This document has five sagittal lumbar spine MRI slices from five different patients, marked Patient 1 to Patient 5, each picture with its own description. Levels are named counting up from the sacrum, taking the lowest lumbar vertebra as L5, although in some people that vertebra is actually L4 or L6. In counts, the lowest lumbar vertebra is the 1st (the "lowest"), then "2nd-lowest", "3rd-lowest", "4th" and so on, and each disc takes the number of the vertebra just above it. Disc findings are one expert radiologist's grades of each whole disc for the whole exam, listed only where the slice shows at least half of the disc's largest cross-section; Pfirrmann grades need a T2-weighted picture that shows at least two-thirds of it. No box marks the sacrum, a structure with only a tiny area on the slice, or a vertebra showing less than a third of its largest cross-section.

Patient 1 of 5:
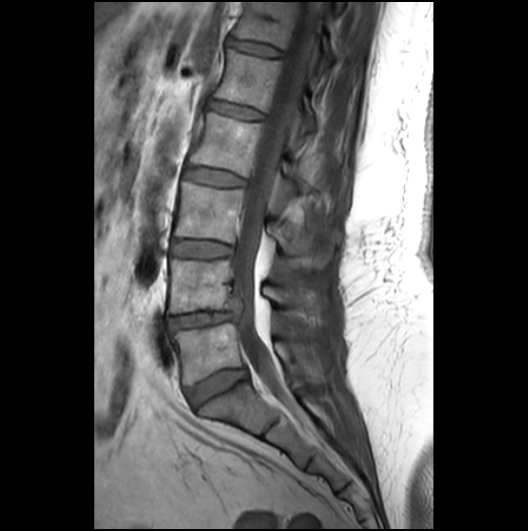 MRI lumbar spine (T1-weighted), sagittal plane. Sagittal slice index 13.
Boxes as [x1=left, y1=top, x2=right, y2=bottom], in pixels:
L1 vertebra — [x1=214, y1=48, x2=316, y2=131].
T12 vertebra — [x1=236, y1=1, x2=332, y2=71].
L1/L2 — [x1=208, y1=100, x2=263, y2=119].
L2 — [x1=190, y1=111, x2=300, y2=190].
Disc T12/L1 — [x1=230, y1=39, x2=280, y2=55].
L3 — [x1=175, y1=181, x2=332, y2=267].
Thecal sac / spinal canal — [x1=234, y1=2, x2=322, y2=413].
L5 — [x1=174, y1=322, x2=322, y2=384].
L3/L4 — [x1=173, y1=241, x2=233, y2=257].
L4 vertebra — [x1=168, y1=259, x2=326, y2=317].
Disc L4/L5 — [x1=168, y1=311, x2=239, y2=329].
Disc L5/S1 — [x1=186, y1=367, x2=247, y2=407].
L2/L3 — [x1=184, y1=166, x2=244, y2=185].

Per-level radiological findings:
  L4/L5: disc herniation, disc narrowing
  T12/L1, L5/S1, L2/L3, L1/L2, L3/L4: no spondylolisthesis, narrowing, bulging, herniation, Modic or endplate change recorded

Patient 2 of 5:
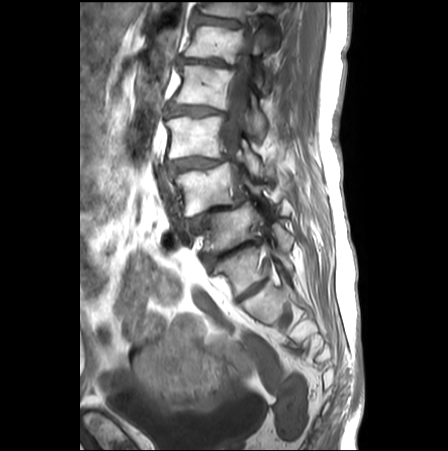 T1-weighted sagittal MRI of the lumbar spine. Sex F.
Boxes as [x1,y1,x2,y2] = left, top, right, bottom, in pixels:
L5 at [199,201,293,252], L4/L5 at [185,192,254,232], L1 vertebra at [185,25,269,92], disc L5/S1 at [202,237,261,269], L2 vertebra at [172,64,266,137], disc L2/L3 at [164,104,227,118], L3 vertebra at [166,116,260,174], T12 vertebra at [199,2,278,20], L1/L2 at [178,57,236,70], disc T12/L1 at [190,10,242,28], disc L3/L4 at [166,157,225,172], L4 vertebra at [173,163,267,216], thecal sac / spinal canal at [221,63,249,179].

Per-level radiological findings:
- L5/S1: disc bulging, disc narrowing, Modic type II, disc herniation, lower-endplate change, upper-endplate change
- L2/L3: Modic type II, disc bulging, disc narrowing, upper-endplate change, spondylolisthesis, lower-endplate change
- L3/L4: spondylolisthesis, lower-endplate change, disc narrowing, upper-endplate change, disc bulging, Modic type II
- T12/L1: lower-endplate change, disc bulging, upper-endplate change
- L1/L2: lower-endplate change, disc narrowing, disc bulging
- L4/L5: upper-endplate change, lower-endplate change, Modic type II, disc herniation, spondylolisthesis, disc bulging, disc narrowing

Patient 3 of 5:
T1-weighted sagittal MRI of the lumbar spine, Sex F 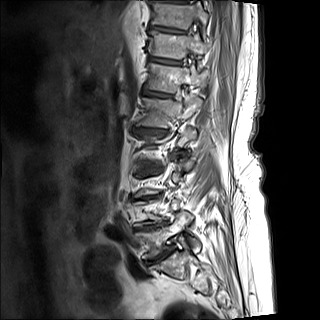

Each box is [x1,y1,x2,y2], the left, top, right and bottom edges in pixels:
T10 vertebra: [150,0,209,29].
L4/L5: [139,225,155,230].
Disc T11/T12: [152,58,178,64].
Disc T10/T11: [149,26,183,33].
T12/L1: [144,90,165,97].
L5 vertebra: [135,213,200,258].
T12: [147,63,200,92].
T11: [151,31,206,59].
L1: [139,97,202,127].
L5/S1: [148,251,167,262].
L1/L2: [138,128,165,133].

Expert MSK radiologist gradings (per disc):
  L1/L2: disc bulging, lower-endplate change, Modic type I, disc narrowing, upper-endplate change
  T11/T12: upper-endplate change
  T10/T11: upper-endplate change
  T12/L1: no spondylolisthesis, narrowing, bulging, herniation, Modic or endplate change recorded

Patient 4 of 5:
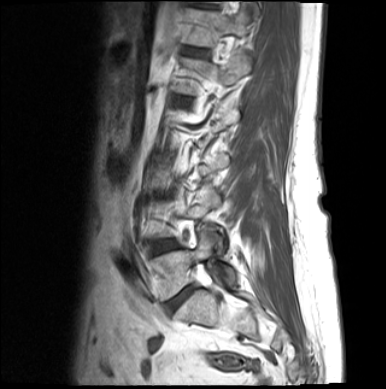

Patient sex: F | Image 386x389 | Sagittal slice index 3 | MRI lumbar spine (T1-weighted), sagittal plane
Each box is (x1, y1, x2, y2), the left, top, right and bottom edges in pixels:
Structures:
• lowest disc — (168, 286, 194, 309)
• 6th disc — (186, 49, 203, 55)
• 2nd-lowest disc — (151, 240, 175, 254)
• 6th vertebra — (183, 8, 248, 46)
• lowest vertebra — (149, 229, 235, 299)

Patient 5 of 5:
T2-weighted sagittal MRI of the lumbar spine | Sagittal slice index 13 | Patient sex: F

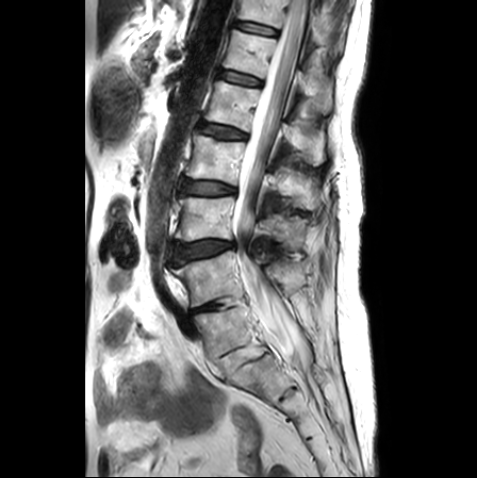
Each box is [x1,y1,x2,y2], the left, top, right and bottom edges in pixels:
Segmented structures:
• L3 (3rd-lowest vertebra) at [176,197,301,249]
• L1 (5th vertebra) at [204,81,325,166]
• thecal sac / spinal canal at [234,0,309,370]
• IVD L1/L2 (5th disc) at [198,123,246,138]
• L5/S1 (lowest disc) at [216,348,244,375]
• L2/L3 (4th disc) at [181,179,235,195]
• IVD L4/L5 (2nd-lowest disc) at [192,301,224,313]
• T11 (7th vertebra) at [237,0,343,50]
• L4 (2nd-lowest vertebra) at [171,251,306,306]
• L5 (lowest vertebra) at [194,302,266,360]
• T12 (6th vertebra) at [223,29,332,113]
• L2 (4th vertebra) at [185,133,316,209]
• IVD T12/L1 (6th disc) at [218,70,262,85]
• L3/L4 (3rd-lowest disc) at [172,240,234,263]
• IVD T11/T12 (7th disc) at [235,21,277,35]

Radiological gradings:
  L5/S1 (lowest disc): Pfirrmann grade 1
  T12/L1 (6th disc): Pfirrmann grade 1
  L2/L3 (4th disc): Pfirrmann grade 2, disc bulging, upper-endplate change, lower-endplate change
  T11/T12 (7th disc): Pfirrmann grade 1
  L4/L5 (2nd-lowest disc): Pfirrmann grade 3, disc narrowing
  L3/L4 (3rd-lowest disc): Pfirrmann grade 3, lower-endplate change, disc bulging, Modic type II, upper-endplate change
  L1/L2 (5th disc): Pfirrmann grade 2, upper-endplate change, lower-endplate change